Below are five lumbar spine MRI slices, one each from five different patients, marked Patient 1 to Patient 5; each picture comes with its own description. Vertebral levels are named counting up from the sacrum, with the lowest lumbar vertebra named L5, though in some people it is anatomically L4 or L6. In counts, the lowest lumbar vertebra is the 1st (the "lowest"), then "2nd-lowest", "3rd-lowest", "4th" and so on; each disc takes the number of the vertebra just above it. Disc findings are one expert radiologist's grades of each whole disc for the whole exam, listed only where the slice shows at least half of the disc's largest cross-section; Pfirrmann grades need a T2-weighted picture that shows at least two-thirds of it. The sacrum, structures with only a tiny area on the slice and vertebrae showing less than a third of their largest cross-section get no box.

Patient 1 of 5:
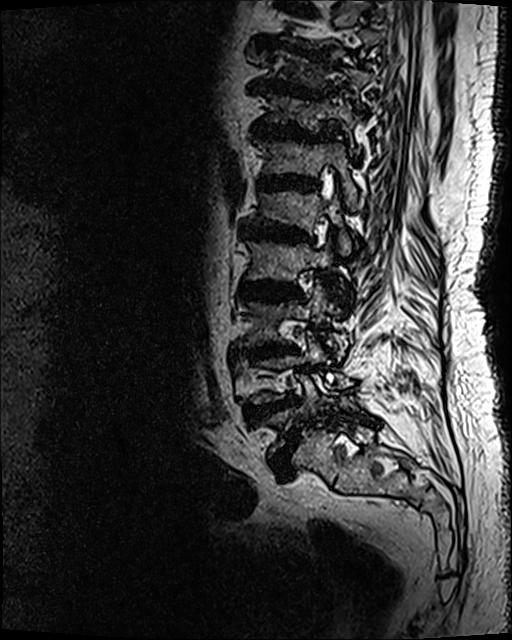 Sagittal T2 SPACE (3D) lumbar spine MRI | 512x640 px | Sex M
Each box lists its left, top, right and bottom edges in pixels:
Annotations:
* L5/S1: left=270, top=432, right=299, bottom=478
* L5 vertebra: left=260, top=372, right=361, bottom=457
* disc T12/L1: left=257, top=174, right=321, bottom=192
* L4/L5: left=246, top=396, right=301, bottom=420
* T10 vertebra: left=274, top=51, right=375, bottom=106
* disc L3/L4: left=244, top=344, right=297, bottom=358
* L1: left=253, top=181, right=353, bottom=257
* T9/T10: left=256, top=45, right=330, bottom=62
* T12: left=257, top=140, right=360, bottom=211
* L3: left=244, top=279, right=348, bottom=362
* L1/L2: left=239, top=224, right=314, bottom=243
* disc T11/T12: left=253, top=120, right=333, bottom=142
* L4 vertebra: left=250, top=329, right=327, bottom=404
* T11: left=265, top=93, right=359, bottom=151
* disc L2/L3: left=240, top=280, right=301, bottom=301
* L2 vertebra: left=245, top=229, right=353, bottom=306
* T10/T11: left=252, top=77, right=329, bottom=100

Expert MSK radiologist gradings (per disc):
  T10/T11: Pfirrmann grade 5, upper-endplate change, Modic type II, lower-endplate change, disc narrowing, disc bulging
  L1/L2: Pfirrmann grade 5, lower-endplate change, upper-endplate change, disc bulging, Modic type II, disc narrowing
  L5/S1: spondylolisthesis, Modic type II, upper-endplate change, disc narrowing, disc bulging, lower-endplate change
  T12/L1: Pfirrmann grade 5, lower-endplate change, Modic type II, upper-endplate change, disc bulging, disc narrowing
  T11/T12: Pfirrmann grade 5, disc narrowing, Modic type II, lower-endplate change, disc bulging, upper-endplate change
  T9/T10: Pfirrmann grade 5, disc bulging, disc narrowing, lower-endplate change, Modic type II, upper-endplate change
  L2/L3: Pfirrmann grade 5, disc narrowing, lower-endplate change, disc bulging, Modic type II, upper-endplate change

Patient 2 of 5:
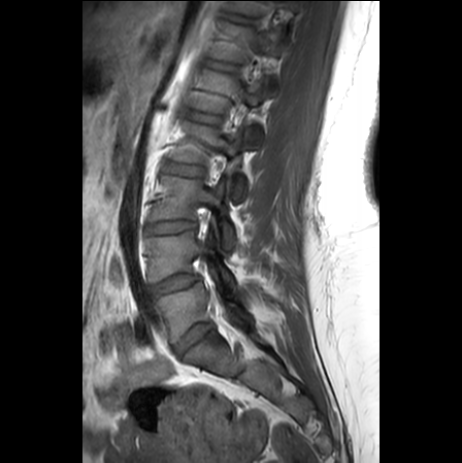 Image 462x463, Lumbar spine MR, T1-weighted, sagittal
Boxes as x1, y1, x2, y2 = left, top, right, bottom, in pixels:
{"intervertebral disc L2/L3 (4th disc)": "165, 163, 205, 176", "L3/L4 (3rd-lowest disc)": "147, 221, 195, 234", "L1 (5th vertebra)": "193, 71, 264, 145", "T12/L1 (6th disc)": "207, 61, 237, 71", "L5 (lowest vertebra)": "158, 272, 253, 340", "T11/T12 (7th disc)": "228, 14, 255, 23", "L3 (3rd-lowest vertebra)": "151, 176, 234, 247", "T12 (6th vertebra)": "215, 24, 287, 94", "L2 (4th vertebra)": "173, 122, 245, 202", "L5/S1 (lowest disc)": "175, 322, 215, 354", "L4 (2nd-lowest vertebra)": "147, 226, 233, 285", "intervertebral disc L4/L5 (2nd-lowest disc)": "150, 274, 194, 295", "intervertebral disc L1/L2 (5th disc)": "186, 111, 221, 123"}

Per-level radiological findings:
- L5/S1 (lowest disc): disc bulging, disc narrowing
- L4/L5 (2nd-lowest disc): disc bulging, disc narrowing
- L3/L4 (3rd-lowest disc), T12/L1 (6th disc), L2/L3 (4th disc), L1/L2 (5th disc): no spondylolisthesis, narrowing, bulging, herniation, Modic or endplate change recorded

Patient 3 of 5:
Sagittal slice index 45 | Field of view 240x300 mm, slice spacing 0.9 mm | Scanner: SIEMENS Avanto_fit (1.5T) | Patient sex: M | MRI lumbar spine (T2 SPACE (3D)), sagittal plane

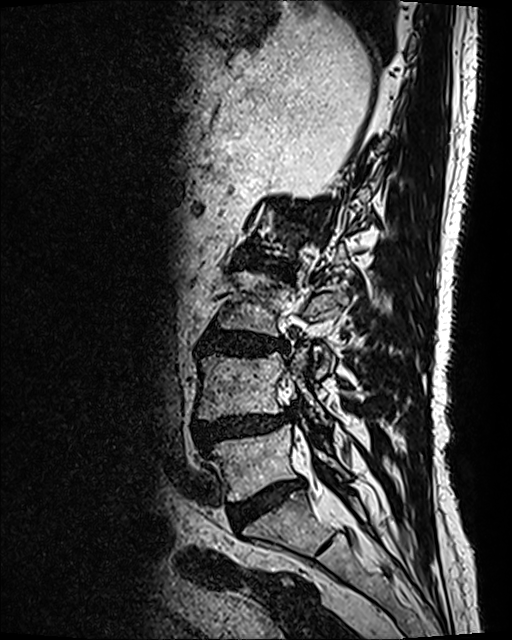 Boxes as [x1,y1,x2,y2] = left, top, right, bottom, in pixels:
disc L5/S1 (lowest disc) — [230,477,303,521] | L3 (3rd-lowest vertebra) — [219,271,347,376] | L5 (lowest vertebra) — [213,424,348,501] | L3/L4 (3rd-lowest disc) — [201,330,286,354] | disc L2/L3 (4th disc) — [260,261,285,274] | disc L4/L5 (2nd-lowest disc) — [194,415,286,450] | L4 (2nd-lowest vertebra) — [197,347,330,424]

Degenerative findings by level:
• L4/L5 (2nd-lowest disc): Pfirrmann grade 4, disc bulging, Modic type II, disc narrowing, upper-endplate change, spondylolisthesis, disc herniation, lower-endplate change
• L5/S1 (lowest disc): Pfirrmann grade 4
• L3/L4 (3rd-lowest disc): Pfirrmann grade 4, disc bulging, lower-endplate change, upper-endplate change

Patient 4 of 5:
T1-weighted sagittal MRI of the lumbar spine, Patient sex: M, Slice 13 of 17 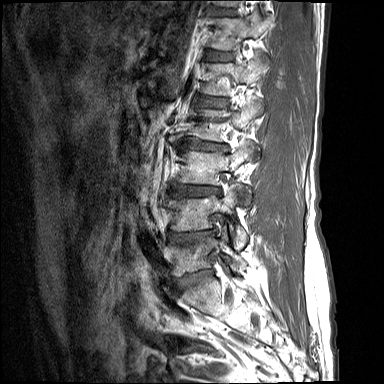

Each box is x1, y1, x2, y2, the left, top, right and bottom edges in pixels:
Annotations:
* L3 vertebra = 178, 142, 255, 200
* L2/L3 = 177, 137, 228, 151
* L2 = 189, 100, 264, 141
* L5 vertebra = 165, 235, 246, 276
* T11/T12 = 211, 7, 236, 16
* L1 = 201, 52, 270, 95
* IVD T12/L1 = 205, 49, 234, 61
* IVD L1/L2 = 196, 95, 228, 107
* IVD L5/S1 = 176, 270, 211, 291
* T12 = 209, 10, 272, 50
* L3/L4 = 171, 184, 221, 196
* L4 vertebra = 169, 184, 248, 249
* IVD L4/L5 = 168, 230, 214, 245

Radiological gradings:
- L5/S1: disc narrowing, upper-endplate change, lower-endplate change, disc bulging
- L4/L5: upper-endplate change, lower-endplate change, disc bulging
- L1/L2: disc bulging, lower-endplate change, upper-endplate change
- T12/L1: lower-endplate change, upper-endplate change
- L3/L4: disc bulging, lower-endplate change, upper-endplate change
- L2/L3: disc bulging, lower-endplate change, upper-endplate change, disc narrowing
- T11/T12: no spondylolisthesis, narrowing, bulging, herniation, Modic or endplate change recorded

Patient 5 of 5:
619x626 px. Philips Healthcare Ingenia (3T). Lumbar spine MR, T2-weighted, sagittal.
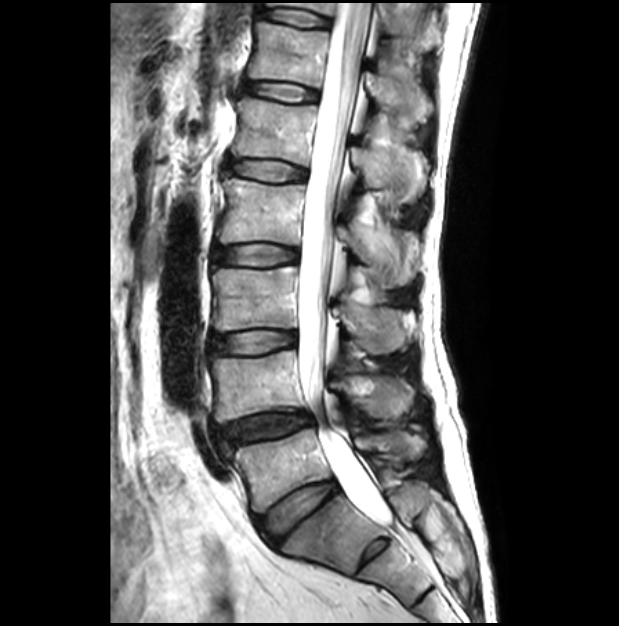
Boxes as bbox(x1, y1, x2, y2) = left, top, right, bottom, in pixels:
Segmented structures:
• lowest vertebra — bbox(228, 428, 426, 512)
• 2nd-lowest disc — bbox(217, 412, 311, 449)
• 5th disc — bbox(228, 159, 307, 181)
• 4th vertebra — bbox(217, 178, 416, 285)
• spinal canal — bbox(298, 0, 391, 524)
• 4th disc — bbox(213, 245, 297, 266)
• 3rd-lowest vertebra — bbox(213, 267, 406, 354)
• lowest disc — bbox(257, 480, 337, 543)
• 5th vertebra — bbox(232, 98, 426, 201)
• 6th vertebra — bbox(247, 22, 433, 124)
• 3rd-lowest disc — bbox(210, 332, 295, 355)
• 7th vertebra — bbox(267, 2, 438, 51)
• 7th disc — bbox(261, 9, 329, 27)
• 2nd-lowest vertebra — bbox(210, 350, 413, 423)
• 6th disc — bbox(242, 82, 317, 101)

Degenerative findings by level:
  4th disc: Pfirrmann grade 1
  3rd-lowest disc: Pfirrmann grade 1
  7th disc: Pfirrmann grade 1
  6th disc: Pfirrmann grade 1
  lowest disc: Pfirrmann grade 2
  2nd-lowest disc: Pfirrmann grade 3, lower-endplate change, upper-endplate change, spondylolisthesis, disc bulging, disc narrowing
  5th disc: no spondylolisthesis, narrowing, bulging, herniation, Modic or endplate change recorded